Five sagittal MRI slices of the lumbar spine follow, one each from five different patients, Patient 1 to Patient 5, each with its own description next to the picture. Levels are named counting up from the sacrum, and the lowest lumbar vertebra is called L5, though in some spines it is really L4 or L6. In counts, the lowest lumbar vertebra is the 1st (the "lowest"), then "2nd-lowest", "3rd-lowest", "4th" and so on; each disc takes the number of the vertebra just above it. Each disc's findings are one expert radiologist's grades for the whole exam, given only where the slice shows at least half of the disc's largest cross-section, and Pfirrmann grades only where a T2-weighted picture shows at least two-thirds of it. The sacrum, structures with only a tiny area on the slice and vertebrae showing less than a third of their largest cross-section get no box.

Patient 1 of 5:
Sex F | Slice 108/120 | MRI lumbar spine (T2 SPACE (3D)), sagittal plane 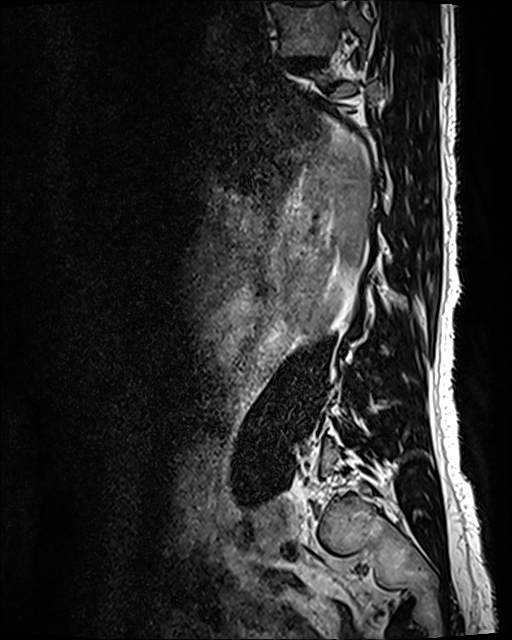
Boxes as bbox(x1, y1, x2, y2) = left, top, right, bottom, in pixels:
T10 vertebra = bbox(272, 3, 368, 55) | T10/T11 = bbox(285, 54, 328, 68)

Expert MSK radiologist gradings (per disc):
• T10/T11: disc bulging, disc narrowing

Patient 2 of 5:
512x512 px, Lumbar spine MR, T1-weighted, sagittal, Field of view 300x300 mm
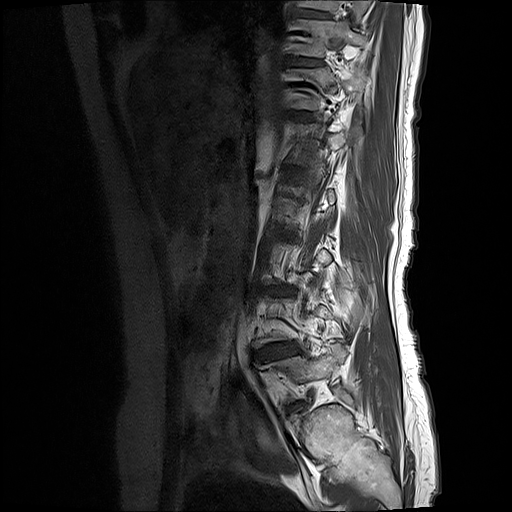 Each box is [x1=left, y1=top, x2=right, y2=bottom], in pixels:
IVD L3/L4 = [x1=270, y1=286, x2=288, y2=292] | T10 = [x1=297, y1=0, x2=370, y2=21] | IVD T11/T12 = [x1=295, y1=58, x2=320, y2=64] | L5 vertebra = [x1=271, y1=348, x2=344, y2=381] | T10/T11 = [x1=299, y1=10, x2=328, y2=17] | IVD L4/L5 = [x1=260, y1=344, x2=298, y2=359] | T11 = [x1=296, y1=20, x2=368, y2=57]

Expert MSK radiologist gradings (per disc):
• T10/T11: upper-endplate change, lower-endplate change
• L4/L5: lower-endplate change, disc narrowing, disc bulging, upper-endplate change, Modic type II

Patient 3 of 5:
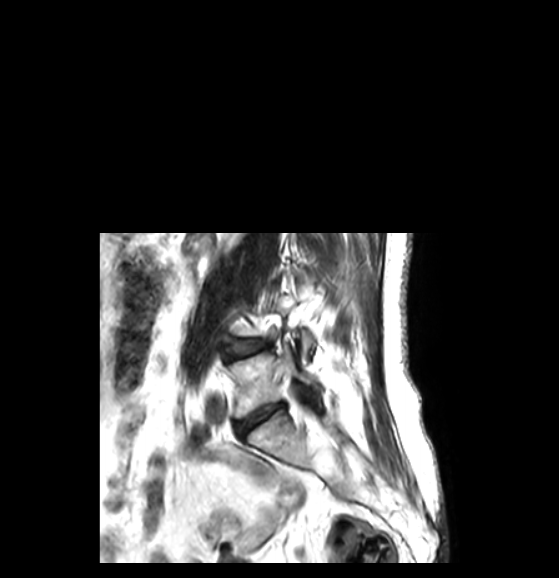 Slice 16/50 | Sagittal T2-weighted lumbar spine MRI | Field of view 280x289 mm

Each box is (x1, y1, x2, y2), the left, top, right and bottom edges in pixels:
L5 at (230, 344, 320, 418) | L4/L5 at (231, 341, 265, 356) | IVD L5/S1 at (236, 403, 282, 436)

Per-level radiological findings:
- L5/S1: Pfirrmann grade 3, disc narrowing, disc bulging

Patient 4 of 5:
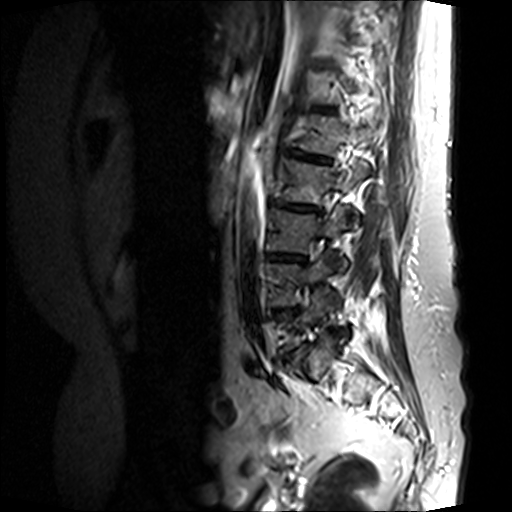 Lumbar spine MR, T2-weighted, sagittal. 512x512 px. Patient sex: F. Slice 3/15.
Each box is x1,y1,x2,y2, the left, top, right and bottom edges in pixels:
L3: 266,205,346,253 | L3/L4: 265,253,305,265 | intervertebral disc T12/L1: 321,107,333,112 | intervertebral disc L2/L3: 272,200,320,212 | L1/L2: 289,149,331,164 | L1 vertebra: 296,115,379,155 | L2: 276,157,369,204 | L4: 266,252,334,306 | intervertebral disc L5/S1: 284,344,308,358

Per-level radiological findings:
• L1/L2: Pfirrmann grade 4, lower-endplate change, Modic type II, disc narrowing, disc bulging, upper-endplate change
• L3/L4: Pfirrmann grade 5, upper-endplate change, Modic type II, disc bulging, lower-endplate change, disc narrowing
• L2/L3: Pfirrmann grade 5, Modic type II, upper-endplate change, disc narrowing, disc bulging, lower-endplate change

Patient 5 of 5:
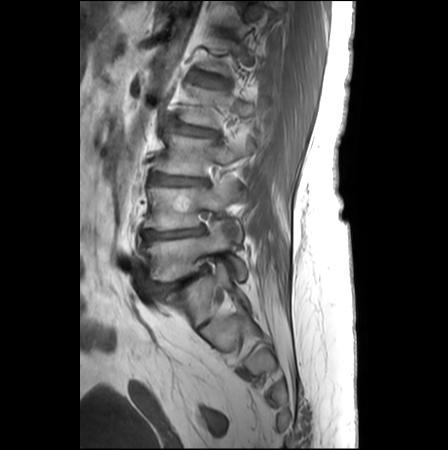 Sagittal T1-weighted lumbar spine MRI

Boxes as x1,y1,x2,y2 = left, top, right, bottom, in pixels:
L5 at 141,218,246,282.
L4 vertebra at 144,178,242,242.
IVD L1/L2 at 190,72,224,86.
L3/L4 at 151,174,207,185.
L2 at 179,84,257,127.
L4/L5 at 142,226,204,244.
IVD L2/L3 at 170,124,216,136.
L3 at 153,134,254,175.
IVD L5/S1 at 154,265,209,298.

Degenerative findings by level:
• L3/L4: disc bulging, disc narrowing, lower-endplate change, Modic type II, upper-endplate change
• L5/S1: Modic type II, disc narrowing, upper-endplate change, lower-endplate change, disc bulging
• L2/L3: disc narrowing, lower-endplate change, Modic type II, disc bulging, upper-endplate change
• L4/L5: disc narrowing, disc bulging, upper-endplate change, Modic type II, lower-endplate change
• L1/L2: no herniation, bulging, narrowing, spondylolisthesis, endplate or Modic change recorded